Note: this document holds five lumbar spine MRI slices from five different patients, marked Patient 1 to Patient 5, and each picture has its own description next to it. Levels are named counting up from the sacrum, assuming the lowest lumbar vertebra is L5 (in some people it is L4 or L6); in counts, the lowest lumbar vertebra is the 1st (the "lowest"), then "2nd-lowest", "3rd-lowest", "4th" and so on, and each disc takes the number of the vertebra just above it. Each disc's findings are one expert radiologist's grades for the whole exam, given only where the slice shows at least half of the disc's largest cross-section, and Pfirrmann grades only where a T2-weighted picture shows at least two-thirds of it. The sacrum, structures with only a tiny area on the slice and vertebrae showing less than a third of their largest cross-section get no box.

Patient 1 of 5:
Sagittal slice index 12. Patient sex: F. Sagittal T2-weighted lumbar spine MRI. Image 732x725.

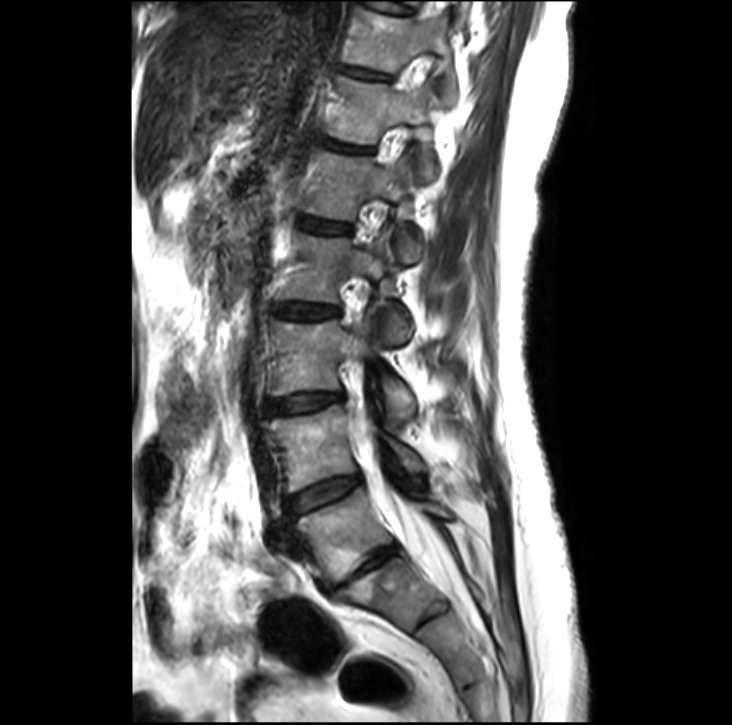 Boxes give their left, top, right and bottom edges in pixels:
2nd-lowest disc at left=286, top=475, right=360, bottom=517 | lowest vertebra at left=295, top=488, right=452, bottom=584 | 3rd-lowest disc at left=268, top=393, right=340, bottom=411 | 7th disc at left=343, top=67, right=388, bottom=79 | 6th vertebra at left=327, top=76, right=436, bottom=182 | 4th disc at left=276, top=303, right=336, bottom=318 | lowest disc at left=320, top=545, right=398, bottom=595 | 6th disc at left=319, top=137, right=369, bottom=153 | 5th disc at left=299, top=216, right=349, bottom=233 | 2nd-lowest vertebra at left=262, top=405, right=424, bottom=492 | 5th vertebra at left=296, top=151, right=422, bottom=261 | 7th vertebra at left=341, top=9, right=456, bottom=100 | 4th vertebra at left=279, top=230, right=411, bottom=343 | 3rd-lowest vertebra at left=272, top=319, right=415, bottom=426 | thecal sac / spinal canal at left=353, top=409, right=460, bottom=591

Expert MSK radiologist gradings (per disc):
• lowest disc: Pfirrmann grade 5, lower-endplate change, upper-endplate change, Modic type II, disc bulging, disc narrowing
• 4th disc: Pfirrmann grade 2
• 3rd-lowest disc: Pfirrmann grade 2, disc bulging
• 2nd-lowest disc: Pfirrmann grade 3, disc bulging
• 5th disc: no spondylolisthesis, narrowing, bulging, herniation, Modic or endplate change recorded

Patient 2 of 5:
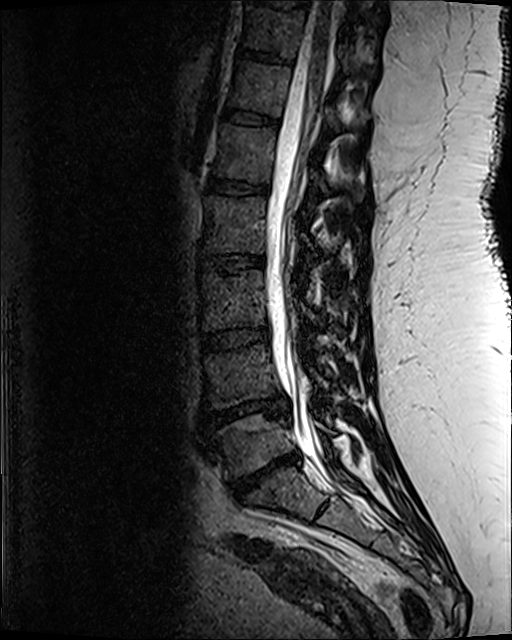
Sagittal T2 SPACE (3D) lumbar spine MRI; Field of view 240x300 mm, slice spacing 0.9 mm; Sagittal slice index 56
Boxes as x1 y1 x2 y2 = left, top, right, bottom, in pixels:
Spinal canal: 265 1 333 478.
Lowest disc: 230 452 299 499.
2nd-lowest vertebra: 206 346 328 407.
Lowest vertebra: 214 414 333 478.
3rd-lowest vertebra: 200 271 320 328.
5th vertebra: 213 124 327 191.
8th disc: 256 0 307 7.
4th disc: 199 255 263 272.
5th disc: 208 179 268 194.
6th vertebra: 230 63 339 131.
7th vertebra: 244 6 374 77.
2nd-lowest disc: 206 397 288 424.
4th vertebra: 205 197 317 263.
6th disc: 224 110 278 126.
7th disc: 239 51 283 62.
3rd-lowest disc: 202 328 269 350.

Radiological gradings:
- 5th disc: Pfirrmann grade 3, lower-endplate change
- 6th disc: Pfirrmann grade 3
- 3rd-lowest disc: Pfirrmann grade 3
- 2nd-lowest disc: Pfirrmann grade 5, disc herniation, disc narrowing, upper-endplate change, lower-endplate change, Modic type II
- lowest disc: Pfirrmann grade 5, lower-endplate change, upper-endplate change, disc herniation, Modic type II, disc narrowing
- 7th disc: lower-endplate change
- 4th disc: Pfirrmann grade 3, upper-endplate change, lower-endplate change

Patient 3 of 5:
Sagittal T1-weighted lumbar spine MRI 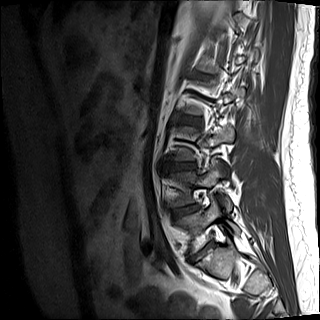
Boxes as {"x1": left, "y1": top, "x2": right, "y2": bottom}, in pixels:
2nd-lowest vertebra: {"x1": 172, "y1": 163, "x2": 231, "y2": 211} | lowest disc: {"x1": 198, "y1": 242, "x2": 213, "y2": 254} | 2nd-lowest disc: {"x1": 173, "y1": 205, "x2": 197, "y2": 219} | 3rd-lowest disc: {"x1": 171, "y1": 163, "x2": 194, "y2": 170} | lowest vertebra: {"x1": 177, "y1": 198, "x2": 239, "y2": 252}

Radiological gradings:
- lowest disc: disc bulging, Modic type II, disc narrowing, lower-endplate change, upper-endplate change

Patient 4 of 5:
Sagittal slice index 12; Sagittal T1-weighted lumbar spine MRI
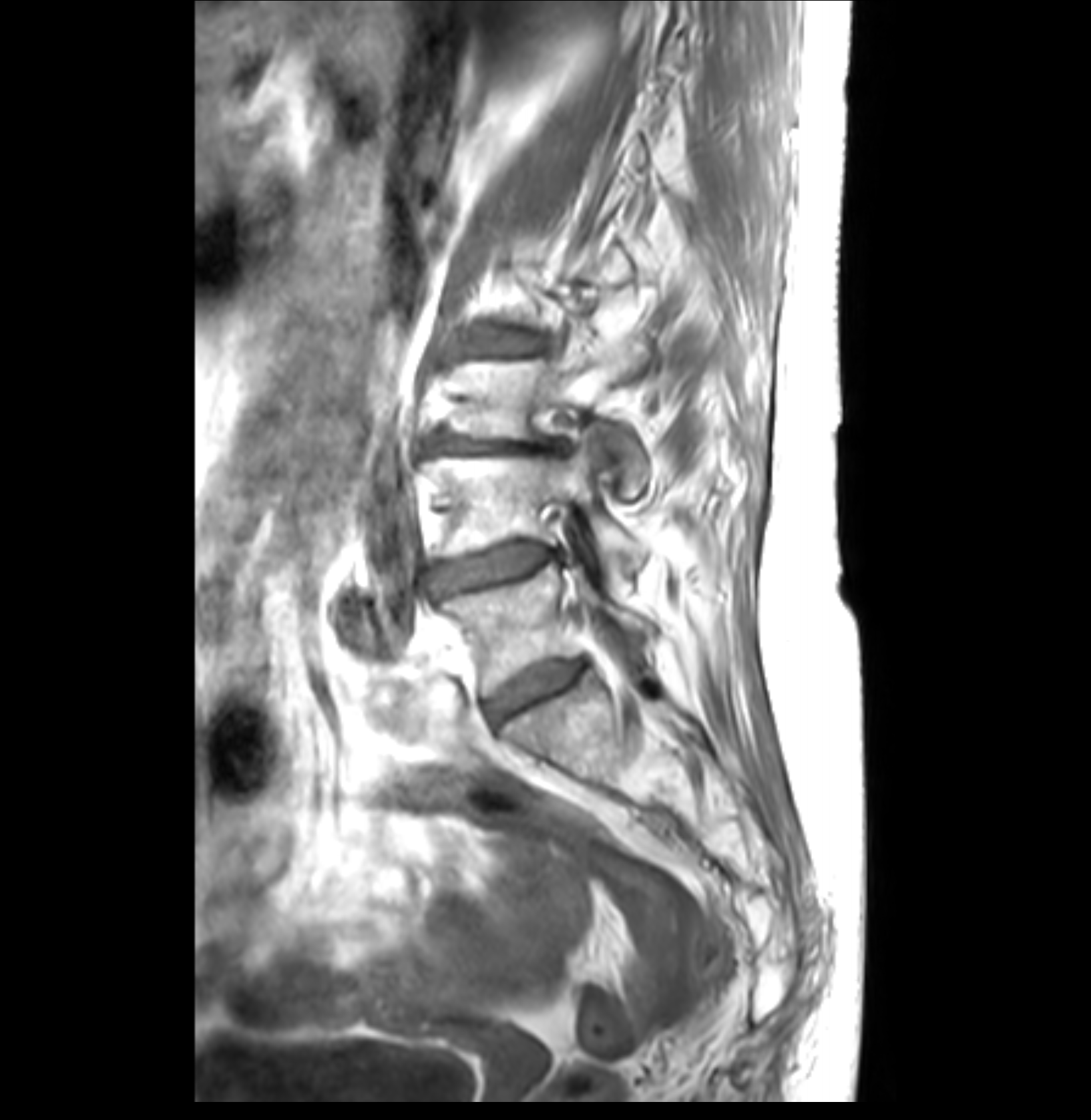
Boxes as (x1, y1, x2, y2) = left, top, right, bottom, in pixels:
Segmented structures:
• L3 vertebra: (453, 341, 650, 497)
• L4 vertebra: (426, 431, 645, 584)
• intervertebral disc L2/L3: (465, 327, 542, 356)
• L5/S1: (485, 659, 584, 722)
• L5: (443, 563, 657, 697)
• intervertebral disc L4/L5: (431, 542, 560, 591)
• intervertebral disc L3/L4: (426, 429, 567, 455)

Degenerative findings by level:
  L5/S1: disc bulging
  L4/L5: disc narrowing, disc bulging, Modic type II

Patient 5 of 5:
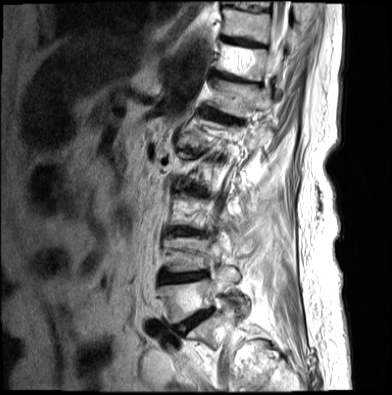 Lumbar spine MR, T2-weighted, sagittal

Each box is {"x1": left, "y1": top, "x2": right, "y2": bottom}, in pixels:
T10: {"x1": 222, "y1": 6, "x2": 293, "y2": 44}
T11: {"x1": 216, "y1": 43, "x2": 284, "y2": 96}
intervertebral disc L4/L5: {"x1": 159, "y1": 273, "x2": 206, "y2": 284}
intervertebral disc T9/T10: {"x1": 231, "y1": 5, "x2": 269, "y2": 11}
intervertebral disc L5/S1: {"x1": 173, "y1": 311, "x2": 209, "y2": 336}
T12/L1: {"x1": 203, "y1": 109, "x2": 240, "y2": 124}
intervertebral disc T10/T11: {"x1": 221, "y1": 37, "x2": 265, "y2": 47}
T12 vertebra: {"x1": 211, "y1": 79, "x2": 273, "y2": 118}
T11/T12: {"x1": 213, "y1": 72, "x2": 259, "y2": 85}
T9: {"x1": 227, "y1": 1, "x2": 270, "y2": 8}
L5 vertebra: {"x1": 159, "y1": 268, "x2": 239, "y2": 324}
spinal canal: {"x1": 269, "y1": 0, "x2": 288, "y2": 59}

Expert MSK radiologist gradings (per disc):
• T11/T12: Pfirrmann grade 4, Modic type II, disc narrowing, disc bulging
• T12/L1: Pfirrmann grade 4, lower-endplate change, disc narrowing, upper-endplate change, disc bulging, Modic type II
• L5/S1: Pfirrmann grade 3, disc narrowing, disc bulging, Modic type II, spondylolisthesis
• T9/T10: Pfirrmann grade 2
• L4/L5: Pfirrmann grade 5, Modic type II, disc bulging, lower-endplate change, disc narrowing, upper-endplate change
• T10/T11: Pfirrmann grade 4, Modic type II